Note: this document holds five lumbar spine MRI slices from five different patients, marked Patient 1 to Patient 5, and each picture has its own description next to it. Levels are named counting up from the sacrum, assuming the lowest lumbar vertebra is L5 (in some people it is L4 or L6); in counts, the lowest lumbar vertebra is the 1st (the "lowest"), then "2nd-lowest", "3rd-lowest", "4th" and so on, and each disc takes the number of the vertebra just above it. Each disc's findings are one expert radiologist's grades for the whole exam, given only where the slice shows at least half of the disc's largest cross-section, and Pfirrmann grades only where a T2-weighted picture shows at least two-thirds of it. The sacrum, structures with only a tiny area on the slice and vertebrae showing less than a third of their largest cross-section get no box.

Patient 1 of 5:
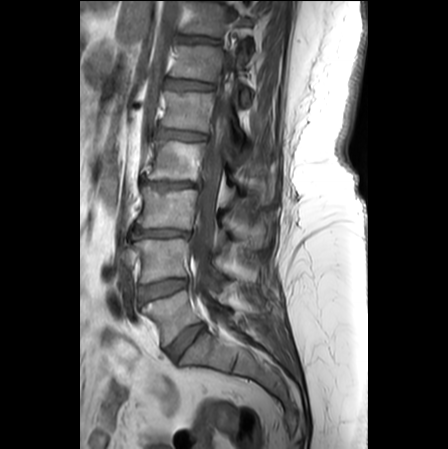 T1-weighted sagittal MRI of the lumbar spine, Sex F, Sagittal slice index 10
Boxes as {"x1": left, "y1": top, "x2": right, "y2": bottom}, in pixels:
{"3rd-lowest vertebra": {"x1": 137, "y1": 186, "x2": 260, "y2": 246}, "6th vertebra": {"x1": 171, "y1": 45, "x2": 252, "y2": 105}, "lowest disc": {"x1": 167, "y1": 323, "x2": 204, "y2": 359}, "5th vertebra": {"x1": 162, "y1": 90, "x2": 248, "y2": 158}, "7th vertebra": {"x1": 182, "y1": 2, "x2": 250, "y2": 36}, "7th disc": {"x1": 177, "y1": 35, "x2": 219, "y2": 43}, "5th disc": {"x1": 155, "y1": 128, "x2": 205, "y2": 140}, "lowest vertebra": {"x1": 142, "y1": 290, "x2": 228, "y2": 345}, "4th disc": {"x1": 141, "y1": 178, "x2": 199, "y2": 187}, "2nd-lowest disc": {"x1": 139, "y1": 279, "x2": 187, "y2": 301}, "2nd-lowest vertebra": {"x1": 130, "y1": 239, "x2": 231, "y2": 283}, "3rd-lowest disc": {"x1": 132, "y1": 227, "x2": 191, "y2": 239}, "6th disc": {"x1": 165, "y1": 79, "x2": 212, "y2": 89}, "thecal sac / spinal canal": {"x1": 191, "y1": 64, "x2": 231, "y2": 319}, "4th vertebra": {"x1": 146, "y1": 141, "x2": 273, "y2": 203}}

Per-level radiological findings:
• 7th disc: upper-endplate change
• 2nd-lowest disc: disc bulging, lower-endplate change, Modic type II, upper-endplate change
• 6th disc: upper-endplate change
• lowest disc: disc bulging
• 5th disc: disc bulging
• 4th disc: disc narrowing, disc herniation, Modic type II, upper-endplate change, lower-endplate change
• 3rd-lowest disc: disc narrowing, lower-endplate change, disc bulging, upper-endplate change

Patient 2 of 5:
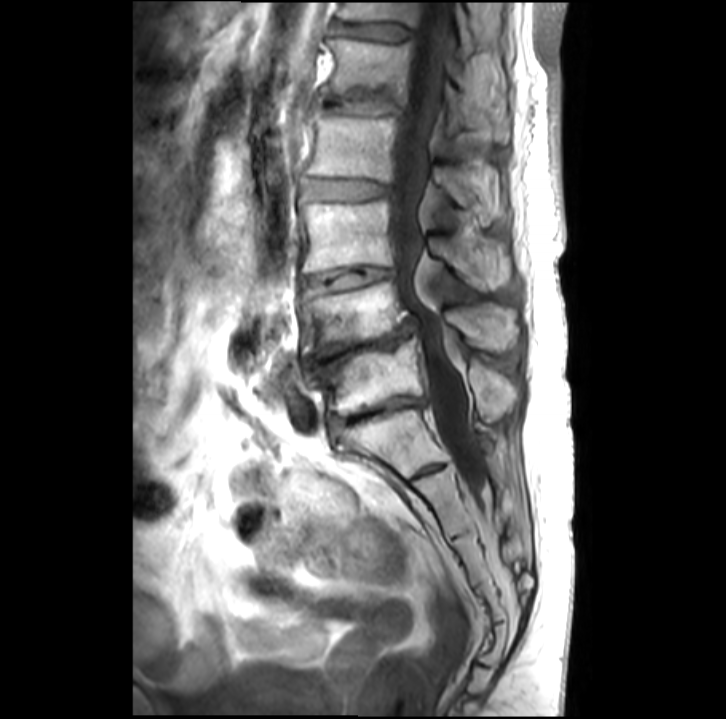
Lumbar spine MR, T1-weighted, sagittal
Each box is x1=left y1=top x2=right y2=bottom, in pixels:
{"L1/L2": "x1=326 y1=96 x2=396 y2=113", "L5": "x1=322 y1=340 x2=517 y2=417", "L3 vertebra": "x1=299 y1=199 x2=510 y2=290", "L1 vertebra": "x1=322 y1=37 x2=507 y2=138", "T12 vertebra": "x1=338 y1=1 x2=475 y2=56", "L2 vertebra": "x1=308 y1=109 x2=490 y2=223", "T12/L1": "x1=335 y1=22 x2=409 y2=37", "thecal sac / spinal canal": "x1=388 y1=0 x2=485 y2=491", "intervertebral disc L5/S1": "x1=328 y1=396 x2=423 y2=429", "L2/L3": "x1=302 y1=179 x2=387 y2=198", "intervertebral disc L4/L5": "x1=310 y1=323 x2=415 y2=377", "L4": "x1=299 y1=280 x2=517 y2=362", "L3/L4": "x1=303 y1=266 x2=392 y2=289"}

Degenerative findings by level:
- T12/L1: disc bulging
- L4/L5: disc narrowing
- L5/S1: Modic type II, disc narrowing
- L3/L4: disc narrowing, Modic type II
- L1/L2: disc bulging, disc narrowing
- L2/L3: no spondylolisthesis, narrowing, bulging, herniation, Modic or endplate change recorded

Patient 3 of 5:
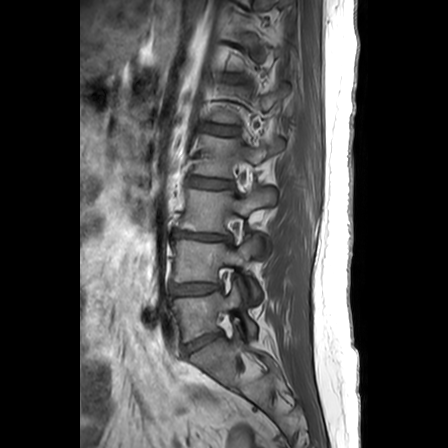 Lumbar spine MR, T1-weighted, sagittal; Slice 8 of 24

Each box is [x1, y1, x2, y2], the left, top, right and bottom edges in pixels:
Segmented structures:
- L3/L4 (3rd-lowest disc) = [174, 231, 231, 240]
- L5 (lowest vertebra) = [172, 282, 257, 340]
- L2 (4th vertebra) = [195, 135, 283, 176]
- IVD L2/L3 (4th disc) = [188, 176, 233, 188]
- L4 (2nd-lowest vertebra) = [175, 238, 262, 302]
- L4/L5 (2nd-lowest disc) = [172, 283, 221, 294]
- L3 (3rd-lowest vertebra) = [179, 186, 277, 231]
- L1/L2 (5th disc) = [204, 124, 239, 134]
- IVD L5/S1 (lowest disc) = [185, 332, 222, 354]

Expert MSK radiologist gradings (per disc):
  L3/L4 (3rd-lowest disc): lower-endplate change, disc narrowing, disc herniation, Modic type II, upper-endplate change
  L4/L5 (2nd-lowest disc): disc bulging
  L1/L2 (5th disc), L2/L3 (4th disc): no Modic or endplate change, herniation, narrowing, bulging or spondylolisthesis recorded

Patient 4 of 5:
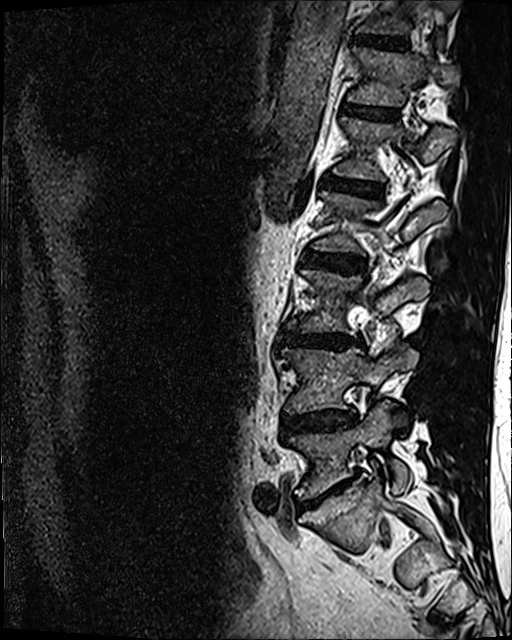
Field of view 240x300 mm. Patient sex: M. Slice 41/120. Lumbar spine MR, T2 SPACE (3D), sagittal.
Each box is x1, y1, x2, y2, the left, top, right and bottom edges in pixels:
Annotations:
- L2/L3: 304, 253, 363, 271
- L3 vertebra: 300, 270, 428, 332
- L4/L5: 283, 409, 356, 432
- IVD L5/S1: 298, 482, 348, 507
- T12: 349, 47, 459, 106
- IVD T12/L1: 344, 103, 396, 119
- IVD L1/L2: 324, 175, 382, 197
- IVD T11/T12: 354, 33, 405, 48
- T11 vertebra: 354, 0, 460, 46
- L1: 335, 117, 456, 180
- IVD L3/L4: 283, 333, 360, 348
- L5 vertebra: 290, 401, 410, 497
- L4: 284, 348, 417, 413

Per-level radiological findings:
• L2/L3: Pfirrmann grade 3, disc bulging
• L3/L4: Pfirrmann grade 4, lower-endplate change, disc narrowing, disc bulging
• L4/L5: Pfirrmann grade 3, disc bulging, disc narrowing
• T12/L1, T11/T12, L1/L2: no herniation, bulging, narrowing, spondylolisthesis, endplate or Modic change recorded

Patient 5 of 5:
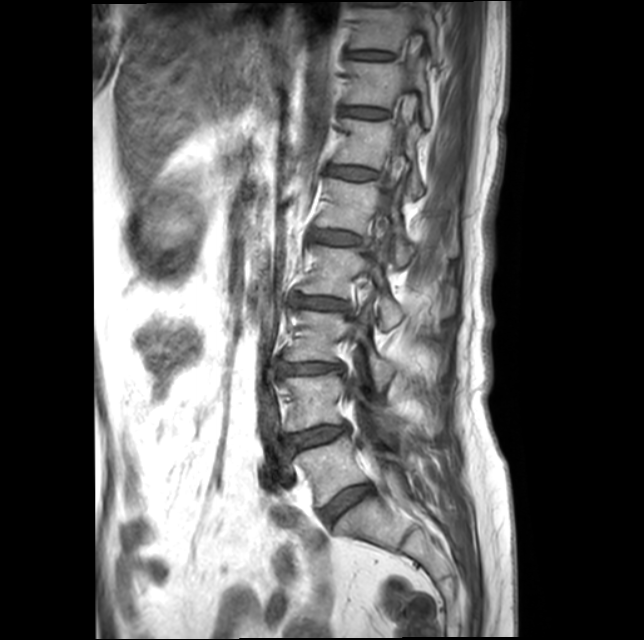 Patient sex: F, Slice 7 of 19, MRI lumbar spine (T1-weighted), sagittal plane
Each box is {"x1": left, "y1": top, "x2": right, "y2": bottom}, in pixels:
5th disc at {"x1": 313, "y1": 231, "x2": 359, "y2": 244}, 8th vertebra at {"x1": 351, "y1": 9, "x2": 443, "y2": 62}, 8th disc at {"x1": 348, "y1": 51, "x2": 390, "y2": 59}, 2nd-lowest disc at {"x1": 286, "y1": 425, "x2": 347, "y2": 451}, 7th disc at {"x1": 345, "y1": 108, "x2": 385, "y2": 119}, 5th vertebra at {"x1": 316, "y1": 179, "x2": 414, "y2": 266}, 3rd-lowest disc at {"x1": 281, "y1": 363, "x2": 339, "y2": 374}, 7th vertebra at {"x1": 346, "y1": 61, "x2": 431, "y2": 127}, 3rd-lowest vertebra at {"x1": 284, "y1": 308, "x2": 395, "y2": 391}, 4th disc at {"x1": 297, "y1": 298, "x2": 345, "y2": 309}, lowest vertebra at {"x1": 296, "y1": 436, "x2": 411, "y2": 506}, lowest disc at {"x1": 321, "y1": 484, "x2": 371, "y2": 522}, 4th vertebra at {"x1": 301, "y1": 245, "x2": 402, "y2": 329}, 6th vertebra at {"x1": 335, "y1": 119, "x2": 422, "y2": 197}, 6th disc at {"x1": 331, "y1": 167, "x2": 375, "y2": 180}, 2nd-lowest vertebra at {"x1": 283, "y1": 372, "x2": 411, "y2": 432}.

Expert MSK radiologist gradings (per disc):
  5th disc: Modic type II
  2nd-lowest disc: upper-endplate change, disc bulging, Modic type II, lower-endplate change
  3rd-lowest disc: upper-endplate change, lower-endplate change, Modic type II, disc narrowing, disc bulging
  4th disc: upper-endplate change, disc bulging, Modic type II, disc narrowing, lower-endplate change
  6th disc, lowest disc, 8th disc, 7th disc: no Modic or endplate change, herniation, narrowing, bulging or spondylolisthesis recorded